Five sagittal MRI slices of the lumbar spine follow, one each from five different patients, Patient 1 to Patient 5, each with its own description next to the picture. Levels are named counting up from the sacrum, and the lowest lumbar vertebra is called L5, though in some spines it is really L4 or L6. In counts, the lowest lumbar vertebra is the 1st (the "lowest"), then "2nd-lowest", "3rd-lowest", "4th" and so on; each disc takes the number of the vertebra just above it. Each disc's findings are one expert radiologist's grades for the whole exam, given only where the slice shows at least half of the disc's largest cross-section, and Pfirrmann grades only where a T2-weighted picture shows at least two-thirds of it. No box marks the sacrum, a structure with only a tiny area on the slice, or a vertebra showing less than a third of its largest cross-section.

Patient 1 of 5:
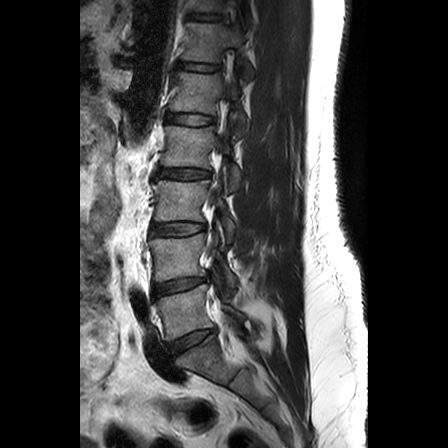 MRI lumbar spine (T2-weighted), sagittal plane

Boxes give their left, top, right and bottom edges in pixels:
{"IVD L2/L3": "left=156, top=169, right=210, bottom=179", "L4 vertebra": "left=149, top=233, right=236, bottom=287", "T12/L1": "left=179, top=63, right=218, bottom=71", "T12": "left=182, top=22, right=252, bottom=78", "L1/L2": "left=167, top=113, right=213, bottom=125", "T11 vertebra": "left=194, top=0, right=248, bottom=15", "L2": "left=161, top=126, right=241, bottom=192", "IVD L4/L5": "left=152, top=278, right=205, bottom=298", "L3/L4": "left=151, top=222, right=205, bottom=235", "T11/T12": "left=190, top=13, right=220, bottom=20", "L3 vertebra": "left=153, top=180, right=236, bottom=241", "IVD L5/S1": "left=169, top=329, right=214, bottom=355", "L1 vertebra": "left=170, top=72, right=249, bottom=135", "L5": "left=155, top=284, right=244, bottom=340"}

Expert MSK radiologist gradings (per disc):
  L5/S1: Pfirrmann grade 3, disc bulging
  L4/L5: Pfirrmann grade 2
  L3/L4: Pfirrmann grade 2
  L2/L3: Pfirrmann grade 2, disc bulging
  L1/L2: Pfirrmann grade 1
  T12/L1: Pfirrmann grade 1
  T11/T12: no Modic or endplate change, herniation, narrowing, bulging or spondylolisthesis recorded

Patient 2 of 5:
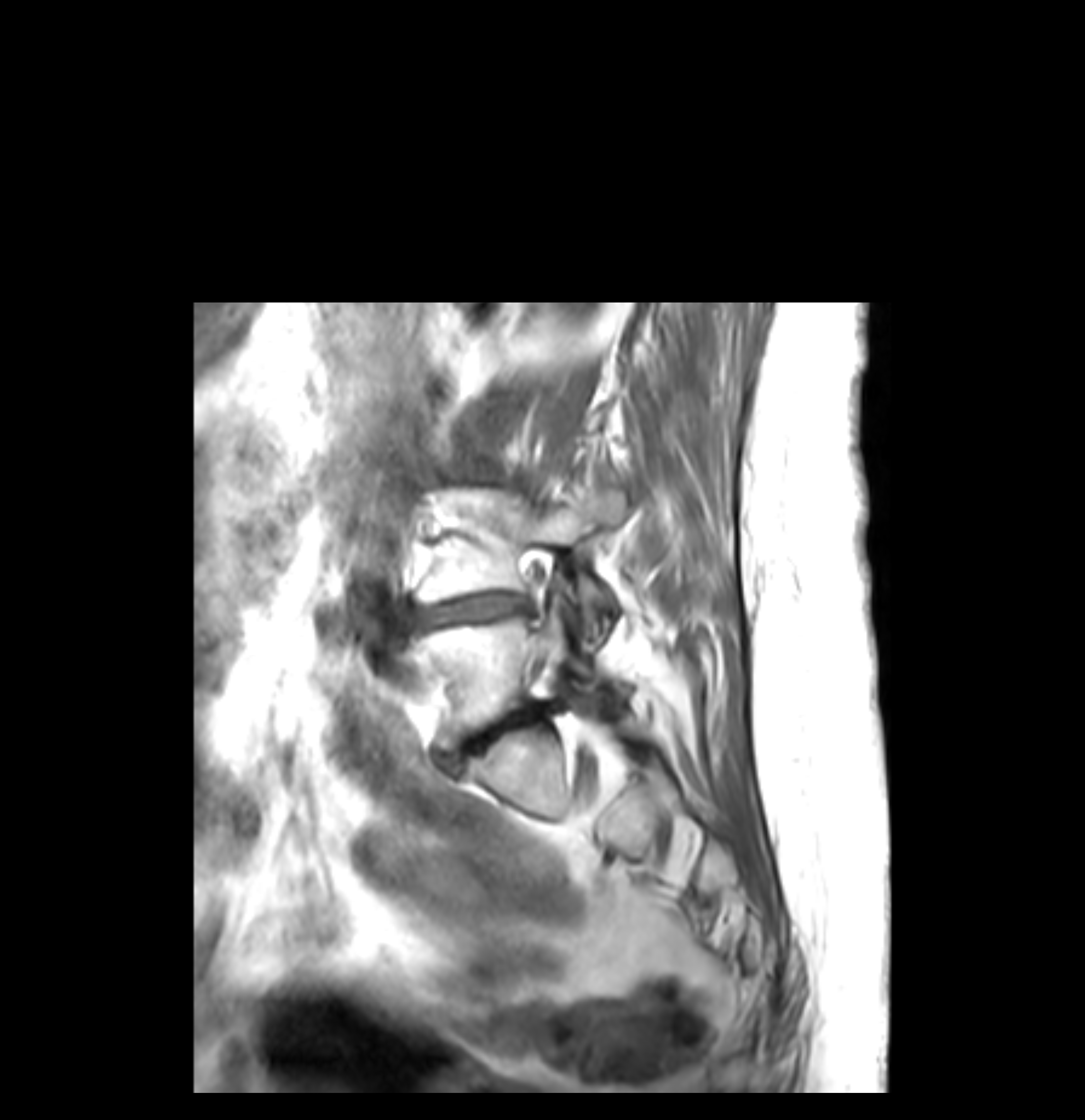
Sagittal T1-weighted lumbar spine MRI | Slice 13/41
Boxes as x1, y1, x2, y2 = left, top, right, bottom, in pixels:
L5/S1 (lowest disc) = 446, 703, 562, 765.
L4 (2nd-lowest vertebra) = 419, 486, 625, 639.
L5 (lowest vertebra) = 402, 600, 625, 748.
L4/L5 (2nd-lowest disc) = 409, 595, 532, 627.

Per-level radiological findings:
- L5/S1 (lowest disc): lower-endplate change, Modic type II, upper-endplate change, disc bulging, disc narrowing, disc herniation
- L4/L5 (2nd-lowest disc): lower-endplate change, upper-endplate change, disc bulging, Modic type II, disc narrowing

Patient 3 of 5:
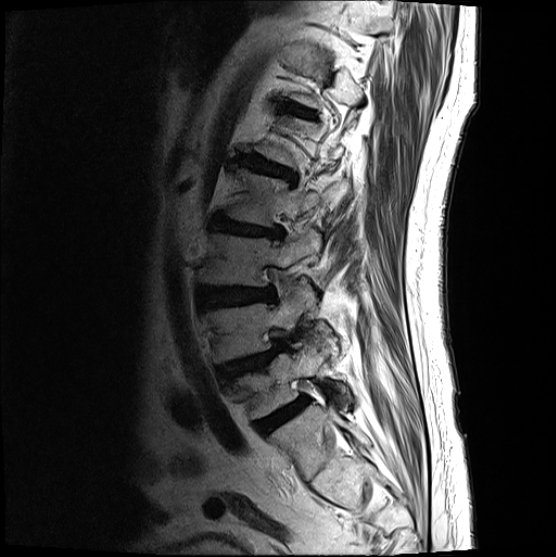 Image 556x557. Lumbar spine MR, T2-weighted, sagittal.
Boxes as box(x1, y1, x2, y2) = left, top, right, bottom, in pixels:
Lowest vertebra at box(233, 341, 347, 418).
4th disc at box(211, 216, 282, 238).
3rd-lowest disc at box(199, 286, 274, 307).
2nd-lowest vertebra at box(202, 287, 308, 363).
3rd-lowest vertebra at box(200, 229, 321, 286).
5th disc at box(240, 154, 295, 180).
Lowest disc at box(255, 396, 309, 433).
6th disc at box(284, 104, 314, 117).
4th vertebra at box(227, 168, 320, 226).
2nd-lowest disc at box(218, 342, 284, 382).

Degenerative findings by level:
• 2nd-lowest disc: upper-endplate change, disc herniation, spondylolisthesis
• 5th disc: Pfirrmann grade 4, disc bulging, lower-endplate change, upper-endplate change
• 3rd-lowest disc: Pfirrmann grade 4, disc bulging
• 4th disc: Pfirrmann grade 4, lower-endplate change, disc bulging, disc narrowing, upper-endplate change
• lowest disc: no herniation, bulging, narrowing, spondylolisthesis, endplate or Modic change recorded

Patient 4 of 5:
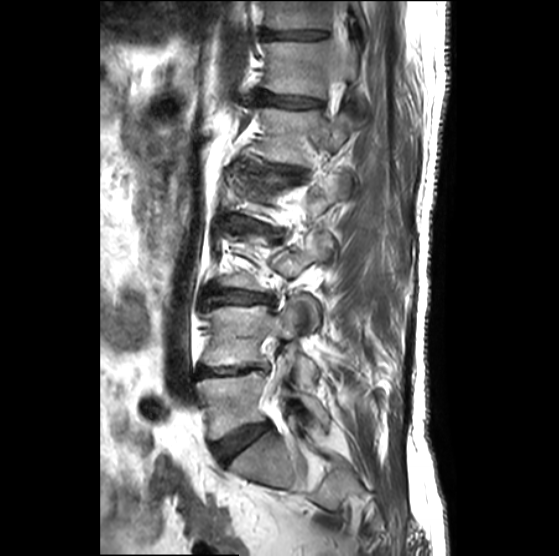 Image 559x556. Sagittal T2-weighted lumbar spine MRI. Sagittal slice index 8. Sex M.

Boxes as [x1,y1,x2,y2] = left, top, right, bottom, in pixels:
T12 vertebra: [263,41,367,112].
Disc T11/T12: [262,29,326,39].
L1: [258,108,353,166].
Disc L3/L4: [206,290,272,306].
L4/L5: [199,366,265,375].
L4 vertebra: [204,300,317,385].
Disc L2/L3: [231,216,267,231].
Disc T12/L1: [255,91,321,107].
L1/L2: [268,164,298,173].
T11 vertebra: [264,1,365,29].
Disc L5/S1: [213,422,270,460].
L5 vertebra: [197,356,329,439].

Expert MSK radiologist gradings (per disc):
  T12/L1: Pfirrmann grade 3, disc narrowing
  T11/T12: Pfirrmann grade 4, disc narrowing
  L3/L4: disc bulging
  L4/L5: Pfirrmann grade 5, lower-endplate change, upper-endplate change, Modic type II, disc narrowing
  L5/S1: disc bulging

Patient 5 of 5:
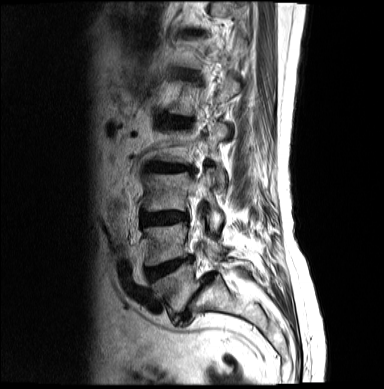 Slice 13/18, Patient sex: F, 384x389 px, T2-weighted sagittal MRI of the lumbar spine
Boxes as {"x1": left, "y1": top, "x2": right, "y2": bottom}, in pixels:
3rd-lowest disc = {"x1": 144, "y1": 213, "x2": 187, "y2": 225}.
4th disc = {"x1": 150, "y1": 163, "x2": 190, "y2": 172}.
2nd-lowest vertebra = {"x1": 146, "y1": 220, "x2": 226, "y2": 265}.
Lowest disc = {"x1": 179, "y1": 274, "x2": 214, "y2": 325}.
Lowest vertebra = {"x1": 152, "y1": 252, "x2": 255, "y2": 316}.
2nd-lowest disc = {"x1": 147, "y1": 259, "x2": 193, "y2": 280}.
3rd-lowest vertebra = {"x1": 145, "y1": 169, "x2": 223, "y2": 231}.

Degenerative findings by level:
• 3rd-lowest disc: Pfirrmann grade 4, disc bulging
• 2nd-lowest disc: Pfirrmann grade 4, disc narrowing, Modic type II
• lowest disc: Pfirrmann grade 5, Modic type II, disc bulging, lower-endplate change, upper-endplate change, disc narrowing, disc herniation, spondylolisthesis
• 4th disc: Pfirrmann grade 4, disc narrowing, disc bulging, Modic type II